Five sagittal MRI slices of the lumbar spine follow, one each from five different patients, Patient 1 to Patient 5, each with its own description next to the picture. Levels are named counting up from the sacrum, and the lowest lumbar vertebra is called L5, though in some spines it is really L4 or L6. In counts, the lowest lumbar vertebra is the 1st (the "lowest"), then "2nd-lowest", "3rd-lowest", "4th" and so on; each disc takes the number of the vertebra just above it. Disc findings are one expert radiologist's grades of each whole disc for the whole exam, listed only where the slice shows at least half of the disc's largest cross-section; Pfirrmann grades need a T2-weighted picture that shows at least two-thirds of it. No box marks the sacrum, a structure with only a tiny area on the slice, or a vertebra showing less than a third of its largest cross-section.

Patient 1 of 5:
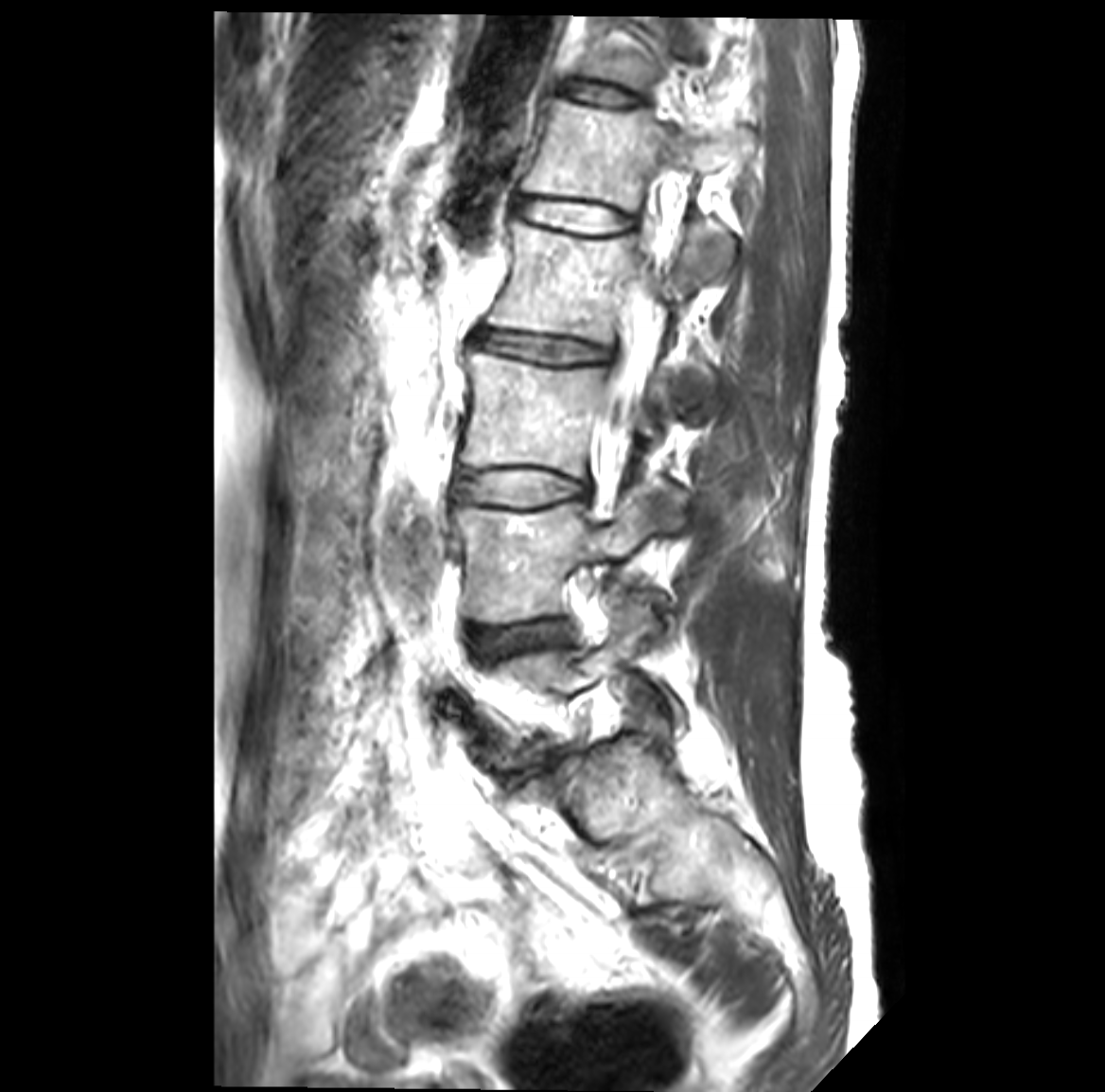

Sex F, Slice 26/41, Sagittal T2-weighted lumbar spine MRI, 1105x1092 px

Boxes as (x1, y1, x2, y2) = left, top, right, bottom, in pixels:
IVD T12/L1: (561, 81, 636, 104) | L4: (456, 494, 681, 623) | L5: (487, 602, 652, 764) | T12 vertebra: (580, 15, 697, 88) | L2: (487, 222, 732, 383) | L3/L4: (460, 469, 586, 504) | L2/L3: (476, 329, 611, 363) | L3: (463, 348, 684, 526) | thecal sac / spinal canal: (603, 175, 675, 454) | L1/L2: (519, 198, 631, 232) | L4/L5: (474, 623, 565, 649) | L1: (524, 98, 728, 246)

Per-level radiological findings:
- L2/L3: Pfirrmann grade 3, Modic type II, disc narrowing, disc bulging
- L1/L2: Pfirrmann grade 1
- L3/L4: Pfirrmann grade 3, Modic type II, disc bulging
- T12/L1: no Modic or endplate change, herniation, narrowing, bulging or spondylolisthesis recorded

Patient 2 of 5:
MRI lumbar spine (T2-weighted), sagittal plane. 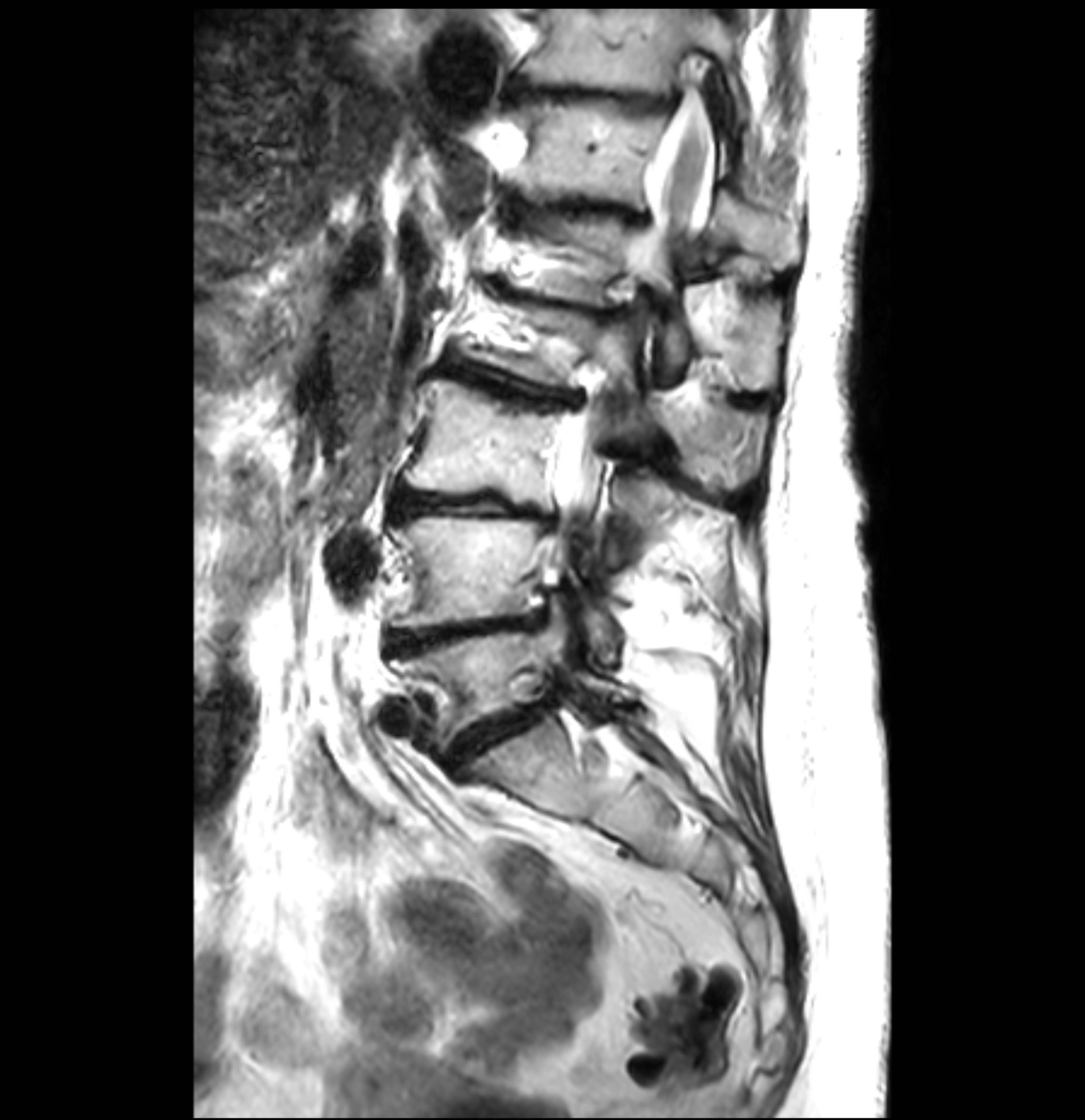

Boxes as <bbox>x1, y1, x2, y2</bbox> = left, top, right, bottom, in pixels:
Annotations:
• 3rd-lowest disc: <bbox>397, 492, 554, 528</bbox>
• 2nd-lowest vertebra: <bbox>385, 514, 612, 651</bbox>
• 3rd-lowest vertebra: <bbox>405, 378, 663, 516</bbox>
• 4th vertebra: <bbox>484, 305, 765, 487</bbox>
• lowest disc: <bbox>446, 694, 557, 771</bbox>
• 7th vertebra: <bbox>526, 11, 748, 133</bbox>
• 5th vertebra: <bbox>518, 211, 779, 390</bbox>
• thecal sac / spinal canal: <bbox>552, 66, 719, 541</bbox>
• 7th disc: <bbox>506, 76, 678, 113</bbox>
• 4th disc: <bbox>443, 355, 581, 404</bbox>
• 6th disc: <bbox>557, 202, 651, 227</bbox>
• 5th disc: <bbox>516, 292, 603, 318</bbox>
• lowest vertebra: <bbox>392, 608, 620, 748</bbox>
• 6th vertebra: <bbox>523, 101, 799, 271</bbox>
• 2nd-lowest disc: <bbox>387, 618, 530, 651</bbox>

Expert MSK radiologist gradings (per disc):
• 4th disc: lower-endplate change, upper-endplate change, Modic type II, disc narrowing, disc bulging
• 3rd-lowest disc: Pfirrmann grade 5, lower-endplate change, disc bulging, disc narrowing, upper-endplate change, Modic type II
• lowest disc: Pfirrmann grade 5, upper-endplate change, disc bulging, Modic type II, disc narrowing, lower-endplate change, disc herniation
• 7th disc: Pfirrmann grade 5, lower-endplate change, Modic type II, disc bulging, disc narrowing, upper-endplate change
• 2nd-lowest disc: upper-endplate change, Modic type II, lower-endplate change, disc narrowing, disc bulging

Patient 3 of 5:
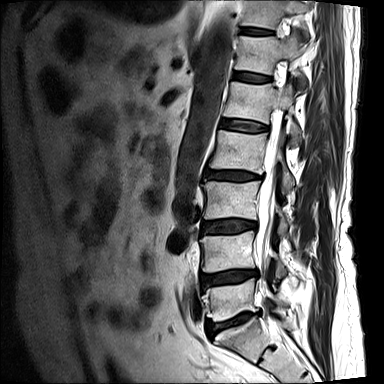 Slice 9 of 15 | T2-weighted sagittal MRI of the lumbar spine | Sex M | Slice spacing 4.8 mm | 384x384 px
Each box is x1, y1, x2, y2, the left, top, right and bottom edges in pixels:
intervertebral disc L3/L4 (3rd-lowest disc): 202, 220, 256, 233
L3 (3rd-lowest vertebra): 203, 181, 291, 234
L2 (4th vertebra): 209, 130, 294, 194
intervertebral disc L2/L3 (4th disc): 206, 170, 259, 181
T12 (6th vertebra): 235, 31, 304, 82
intervertebral disc T11/T12 (7th disc): 240, 28, 272, 34
intervertebral disc L1/L2 (5th disc): 221, 119, 268, 131
L4 (2nd-lowest vertebra): 201, 231, 286, 277
intervertebral disc T12/L1 (6th disc): 234, 72, 271, 81
T11 (7th vertebra): 241, 0, 309, 39
L5/S1 (lowest disc): 206, 312, 260, 336
L5 (lowest vertebra): 205, 278, 287, 321
thecal sac / spinal canal: 256, 122, 280, 271
L1 (5th vertebra): 223, 81, 301, 144
L4/L5 (2nd-lowest disc): 201, 270, 257, 288

Radiological gradings:
• L5/S1 (lowest disc): Pfirrmann grade 4, disc bulging, Modic type II, upper-endplate change, disc narrowing, lower-endplate change
• L3/L4 (3rd-lowest disc): Pfirrmann grade 4, upper-endplate change, disc bulging, lower-endplate change, Modic type II
• L1/L2 (5th disc): Pfirrmann grade 3
• L2/L3 (4th disc): Pfirrmann grade 4, disc bulging, Modic type II, lower-endplate change, disc narrowing, upper-endplate change
• L4/L5 (2nd-lowest disc): Pfirrmann grade 4, lower-endplate change, disc bulging, upper-endplate change, disc narrowing, Modic type II
• T11/T12 (7th disc), T12/L1 (6th disc): no spondylolisthesis, narrowing, bulging, herniation, Modic or endplate change recorded

Patient 4 of 5:
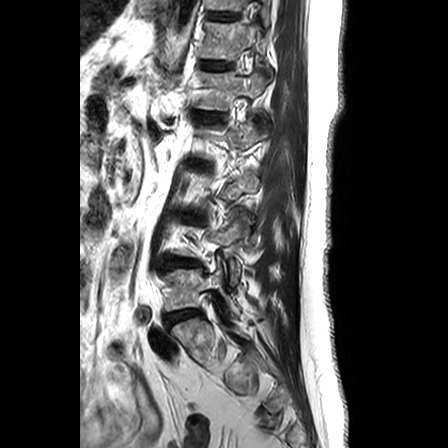 Slice 19/24, Sagittal T2-weighted lumbar spine MRI
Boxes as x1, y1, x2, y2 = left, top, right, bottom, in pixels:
L1 vertebra at 195, 71, 265, 110; intervertebral disc T12/L1 at 202, 60, 232, 69; L5 vertebra at 165, 258, 239, 314; L5/S1 at 164, 310, 197, 325; intervertebral disc L4/L5 at 168, 259, 199, 266; T12 at 200, 21, 272, 73; T11/T12 at 208, 12, 238, 20; T11 vertebra at 207, 0, 269, 24; intervertebral disc L1/L2 at 194, 112, 222, 121.

Degenerative findings by level:
- L1/L2: disc bulging, disc narrowing
- T11/T12: Pfirrmann grade 1
- T12/L1: Pfirrmann grade 1

Patient 5 of 5:
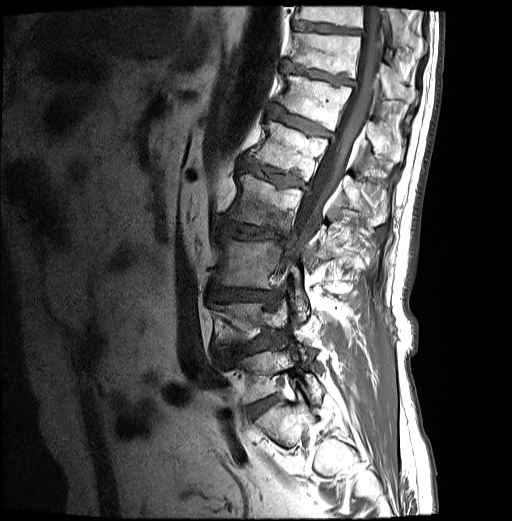 T1-weighted sagittal MRI of the lumbar spine

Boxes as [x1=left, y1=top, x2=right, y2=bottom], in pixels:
8th disc: [x1=293, y1=21, x2=360, y2=33].
6th vertebra: [x1=277, y1=72, x2=405, y2=162].
3rd-lowest disc: [x1=212, y1=285, x2=273, y2=301].
4th disc: [x1=220, y1=220, x2=289, y2=246].
8th vertebra: [x1=295, y1=6, x2=425, y2=56].
7th vertebra: [x1=289, y1=31, x2=417, y2=103].
5th vertebra: [x1=248, y1=121, x2=386, y2=225].
4th vertebra: [x1=227, y1=175, x2=334, y2=269].
2nd-lowest disc: [x1=239, y1=341, x2=265, y2=350].
6th disc: [x1=269, y1=106, x2=331, y2=137].
Spinal canal: [x1=287, y1=6, x2=382, y2=262].
7th disc: [x1=282, y1=61, x2=354, y2=86].
Lowest disc: [x1=250, y1=396, x2=276, y2=415].
5th disc: [x1=240, y1=158, x2=306, y2=188].
Lowest vertebra: [x1=237, y1=344, x2=323, y2=402].
3rd-lowest vertebra: [x1=215, y1=237, x2=308, y2=321].

Per-level radiological findings:
  3rd-lowest disc: disc bulging, upper-endplate change, lower-endplate change
  5th disc: disc bulging, lower-endplate change, Modic type II, upper-endplate change
  6th disc: upper-endplate change, lower-endplate change, Modic type II, disc bulging
  4th disc: disc bulging, Modic type I, lower-endplate change, upper-endplate change, disc narrowing
  7th disc: lower-endplate change, disc bulging, upper-endplate change
  8th disc: no Modic or endplate change, herniation, narrowing, bulging or spondylolisthesis recorded